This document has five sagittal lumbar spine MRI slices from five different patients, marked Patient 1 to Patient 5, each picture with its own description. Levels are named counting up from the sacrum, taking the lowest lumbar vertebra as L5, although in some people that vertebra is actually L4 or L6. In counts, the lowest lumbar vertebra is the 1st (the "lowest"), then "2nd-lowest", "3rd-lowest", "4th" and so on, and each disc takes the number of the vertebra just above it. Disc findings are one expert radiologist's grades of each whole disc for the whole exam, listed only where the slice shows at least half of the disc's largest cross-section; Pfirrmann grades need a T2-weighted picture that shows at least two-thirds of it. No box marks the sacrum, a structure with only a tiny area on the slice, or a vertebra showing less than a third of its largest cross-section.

Patient 1 of 5:
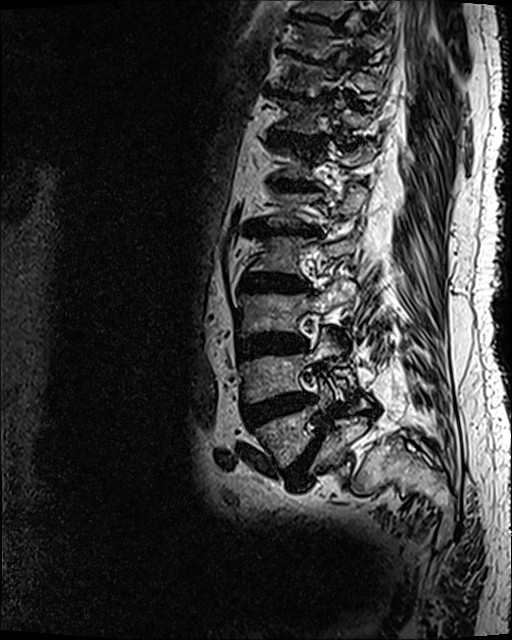
Sagittal T2 SPACE (3D) lumbar spine MRI; Slice 43 of 120
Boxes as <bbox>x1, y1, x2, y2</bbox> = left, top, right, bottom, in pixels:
Intervertebral disc T9/T10 = <bbox>275, 47, 326, 65</bbox>.
Intervertebral disc L5/S1 = <bbox>284, 430, 324, 486</bbox>.
L1/L2 = <bbox>244, 218, 320, 236</bbox>.
Intervertebral disc L2/L3 = <bbox>239, 271, 310, 291</bbox>.
L2 = <bbox>248, 236, 355, 276</bbox>.
L1 = <bbox>267, 184, 368, 229</bbox>.
L4 = <bbox>239, 328, 348, 403</bbox>.
T11 vertebra = <bbox>269, 96, 372, 133</bbox>.
Intervertebral disc T10/T11 = <bbox>263, 87, 330, 102</bbox>.
L3/L4 = <bbox>238, 333, 305, 359</bbox>.
T12/L1 = <bbox>274, 178, 317, 192</bbox>.
L5 = <bbox>254, 373, 360, 468</bbox>.
Intervertebral disc L4/L5 = <bbox>242, 392, 317, 429</bbox>.
T10 vertebra = <bbox>281, 55, 382, 95</bbox>.
T11/T12 = <bbox>268, 129, 324, 147</bbox>.
L3 = <bbox>239, 277, 355, 334</bbox>.

Degenerative findings by level:
  T10/T11: Modic type II, upper-endplate change, lower-endplate change, disc bulging, disc narrowing
  L3/L4: Pfirrmann grade 5, disc bulging, upper-endplate change, disc narrowing, lower-endplate change, Modic type II
  L1/L2: disc narrowing, lower-endplate change, Modic type II, disc bulging, upper-endplate change
  L2/L3: Pfirrmann grade 5, Modic type II, lower-endplate change, upper-endplate change, disc bulging, disc narrowing
  L5/S1: Pfirrmann grade 5, lower-endplate change, disc narrowing, upper-endplate change, spondylolisthesis, disc bulging, Modic type II
  T11/T12: upper-endplate change, Modic type II, lower-endplate change, disc bulging, disc narrowing
  L4/L5: Pfirrmann grade 5, lower-endplate change, disc bulging, Modic type II, disc narrowing, upper-endplate change

Patient 2 of 5:
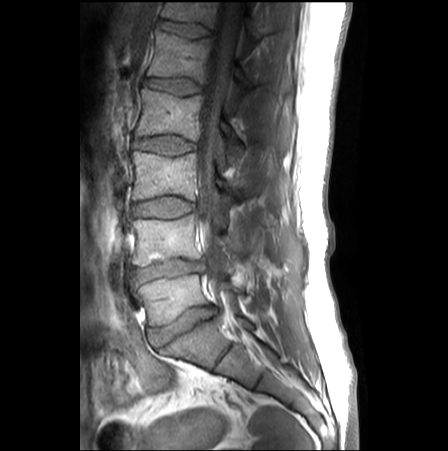

Slice 12/27, 448x451 px, MRI lumbar spine (T1-weighted), sagittal plane
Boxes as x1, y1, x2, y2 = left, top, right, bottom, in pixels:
Annotations:
* thecal sac / spinal canal — 195, 2, 243, 314
* lowest vertebra — 138, 274, 241, 325
* 2nd-lowest disc — 135, 259, 201, 280
* 3rd-lowest vertebra — 131, 151, 240, 199
* 4th disc — 133, 136, 194, 156
* 5th disc — 144, 77, 200, 95
* 5th vertebra — 147, 30, 256, 89
* 6th vertebra — 162, 2, 265, 40
* 2nd-lowest vertebra — 133, 215, 244, 265
* 3rd-lowest disc — 134, 196, 193, 218
* 4th vertebra — 135, 89, 242, 161
* 6th disc — 161, 21, 209, 38
* lowest disc — 149, 306, 215, 346

Expert MSK radiologist gradings (per disc):
• 2nd-lowest disc: disc bulging, disc narrowing
• 6th disc: lower-endplate change
• lowest disc: disc bulging, disc narrowing
• 3rd-lowest disc, 4th disc, 5th disc: no spondylolisthesis, narrowing, bulging, herniation, Modic or endplate change recorded

Patient 3 of 5:
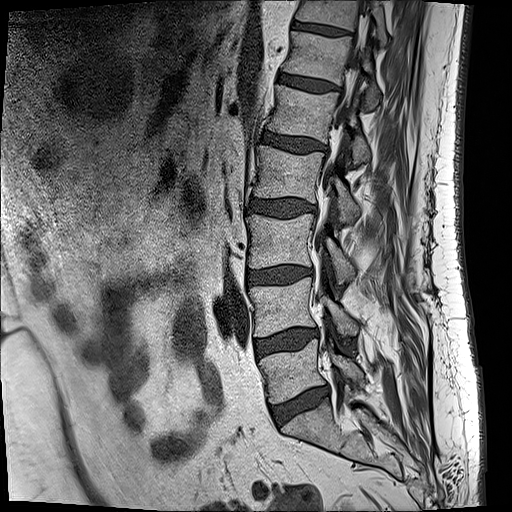 T1-weighted sagittal MRI of the lumbar spine

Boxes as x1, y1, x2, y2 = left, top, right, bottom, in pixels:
Structures:
• lowest disc — 271, 388, 328, 425
• lowest vertebra — 259, 339, 364, 402
• 2nd-lowest vertebra — 250, 277, 357, 336
• 6th disc — 278, 74, 336, 91
• 5th disc — 260, 130, 323, 153
• 4th disc — 249, 197, 316, 217
• 2nd-lowest disc — 255, 330, 317, 357
• 3rd-lowest disc — 248, 266, 309, 284
• 3rd-lowest vertebra — 246, 213, 354, 282
• 6th vertebra — 283, 31, 378, 109
• 5th vertebra — 268, 85, 368, 166
• 7th vertebra — 296, 0, 386, 35
• 4th vertebra — 255, 145, 357, 223
• spinal canal — 315, 5, 370, 306
• 7th disc — 291, 19, 350, 35

Per-level radiological findings:
  lowest disc: disc bulging, Modic type II, disc narrowing
  3rd-lowest disc: Modic type II, disc bulging
  4th disc: disc bulging
  2nd-lowest disc: Modic type II, disc bulging
  5th disc: disc bulging
  7th disc, 6th disc: no herniation, bulging, narrowing, spondylolisthesis, endplate or Modic change recorded

Patient 4 of 5:
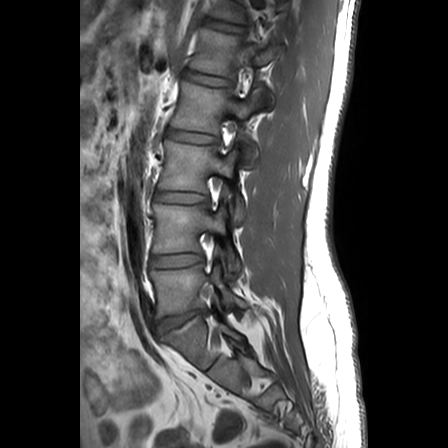 Slice 17 of 24; Image 448x448; Sagittal T1-weighted lumbar spine MRI

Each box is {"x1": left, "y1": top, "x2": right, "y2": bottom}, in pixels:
Structures:
* L3 vertebra: {"x1": 158, "y1": 140, "x2": 244, "y2": 222}
* L1: {"x1": 190, "y1": 27, "x2": 280, "y2": 78}
* L2: {"x1": 170, "y1": 81, "x2": 257, "y2": 160}
* T12/L1: {"x1": 203, "y1": 18, "x2": 245, "y2": 31}
* L4 vertebra: {"x1": 152, "y1": 204, "x2": 240, "y2": 272}
* L5/S1: {"x1": 158, "y1": 311, "x2": 204, "y2": 332}
* IVD L3/L4: {"x1": 154, "y1": 191, "x2": 208, "y2": 202}
* L2/L3: {"x1": 166, "y1": 130, "x2": 219, "y2": 142}
* L5 vertebra: {"x1": 150, "y1": 264, "x2": 242, "y2": 317}
* T12 vertebra: {"x1": 210, "y1": 1, "x2": 248, "y2": 23}
* IVD L1/L2: {"x1": 182, "y1": 70, "x2": 228, "y2": 85}
* L4/L5: {"x1": 150, "y1": 254, "x2": 203, "y2": 266}

Degenerative findings by level:
  L5/S1: upper-endplate change, Modic type II, disc herniation, lower-endplate change
  L1/L2, L3/L4, T12/L1, L4/L5, L2/L3: no spondylolisthesis, narrowing, bulging, herniation, Modic or endplate change recorded

Patient 5 of 5:
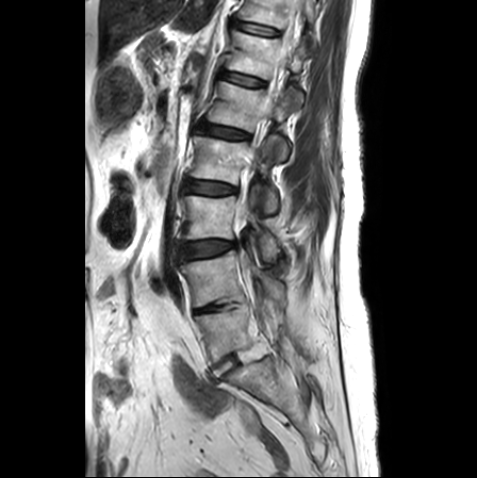 477x478 px | Sagittal slice index 9 | Lumbar spine MR, T2-weighted, sagittal | Patient sex: F

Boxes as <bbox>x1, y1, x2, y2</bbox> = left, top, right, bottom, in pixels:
Structures:
- L1 vertebra — <bbox>208, 82, 290, 161</bbox>
- IVD L4/L5 — <bbox>194, 304, 225, 313</bbox>
- T11/T12 — <bbox>234, 21, 278, 35</bbox>
- L2 — <bbox>191, 136, 280, 213</bbox>
- L5 — <bbox>195, 304, 271, 364</bbox>
- T12 vertebra — <bbox>228, 30, 306, 107</bbox>
- L1/L2 — <bbox>200, 123, 248, 138</bbox>
- L4 — <bbox>179, 237, 284, 307</bbox>
- IVD T12/L1 — <bbox>221, 71, 263, 86</bbox>
- IVD L5/S1 — <bbox>211, 355, 242, 380</bbox>
- IVD L2/L3 — <bbox>184, 179, 238, 194</bbox>
- IVD L3/L4 — <bbox>176, 241, 235, 261</bbox>
- T11 vertebra — <bbox>240, 0, 318, 54</bbox>
- thecal sac / spinal canal — <bbox>237, 110, 272, 268</bbox>
- L3 vertebra — <bbox>178, 183, 278, 261</bbox>

Degenerative findings by level:
- L3/L4: Pfirrmann grade 3, disc bulging, lower-endplate change, upper-endplate change, Modic type II
- T11/T12: Pfirrmann grade 1
- L1/L2: Pfirrmann grade 2, upper-endplate change, lower-endplate change
- L4/L5: Pfirrmann grade 3, disc narrowing
- T12/L1: Pfirrmann grade 1
- L2/L3: Pfirrmann grade 2, lower-endplate change, disc bulging, upper-endplate change
- L5/S1: Pfirrmann grade 1